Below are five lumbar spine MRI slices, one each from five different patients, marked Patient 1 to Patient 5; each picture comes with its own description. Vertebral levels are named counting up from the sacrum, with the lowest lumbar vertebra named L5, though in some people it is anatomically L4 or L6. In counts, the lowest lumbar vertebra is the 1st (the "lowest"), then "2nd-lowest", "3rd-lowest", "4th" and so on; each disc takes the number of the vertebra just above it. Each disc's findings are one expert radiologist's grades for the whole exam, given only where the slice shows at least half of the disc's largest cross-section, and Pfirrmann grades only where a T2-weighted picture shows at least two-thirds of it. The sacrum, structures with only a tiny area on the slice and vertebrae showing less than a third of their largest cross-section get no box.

Patient 1 of 5:
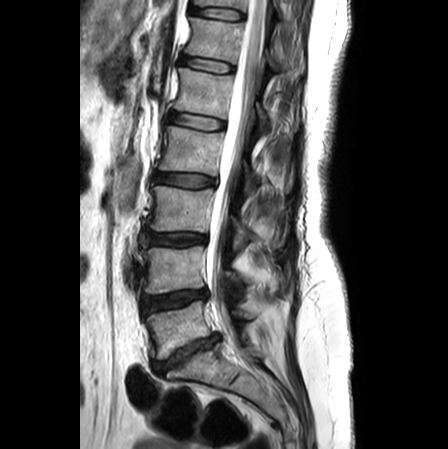 Image 448x449. Sagittal T2-weighted lumbar spine MRI. Slice 11/24. Slice spacing 3.3 mm.
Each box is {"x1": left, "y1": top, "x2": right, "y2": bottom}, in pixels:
6th vertebra at {"x1": 186, "y1": 17, "x2": 303, "y2": 77} | 5th disc at {"x1": 170, "y1": 113, "x2": 224, "y2": 129} | 2nd-lowest disc at {"x1": 144, "y1": 290, "x2": 207, "y2": 313} | 7th vertebra at {"x1": 194, "y1": 0, "x2": 247, "y2": 10} | thecal sac / spinal canal at {"x1": 206, "y1": 0, "x2": 267, "y2": 342} | 7th disc at {"x1": 190, "y1": 7, "x2": 244, "y2": 19} | 6th disc at {"x1": 181, "y1": 55, "x2": 233, "y2": 72} | 3rd-lowest disc at {"x1": 142, "y1": 233, "x2": 205, "y2": 245} | lowest disc at {"x1": 153, "y1": 333, "x2": 219, "y2": 374} | lowest vertebra at {"x1": 146, "y1": 300, "x2": 254, "y2": 359} | 2nd-lowest vertebra at {"x1": 141, "y1": 246, "x2": 281, "y2": 293} | 3rd-lowest vertebra at {"x1": 149, "y1": 186, "x2": 282, "y2": 248} | 4th disc at {"x1": 154, "y1": 173, "x2": 214, "y2": 186} | 4th vertebra at {"x1": 160, "y1": 126, "x2": 256, "y2": 190} | 5th vertebra at {"x1": 175, "y1": 68, "x2": 265, "y2": 126}

Degenerative findings by level:
  7th disc: Pfirrmann grade 1
  6th disc: Pfirrmann grade 1
  4th disc: Pfirrmann grade 2, disc bulging
  5th disc: Pfirrmann grade 1
  lowest disc: Pfirrmann grade 5, disc narrowing, upper-endplate change, lower-endplate change, disc herniation, Modic type II
  2nd-lowest disc: Pfirrmann grade 4, disc bulging, disc narrowing
  3rd-lowest disc: Pfirrmann grade 3, disc bulging

Patient 2 of 5:
Patient sex: M | T2-weighted sagittal MRI of the lumbar spine | Scanner: SIEMENS Avanto_fit (1.5T) | 556x557 px 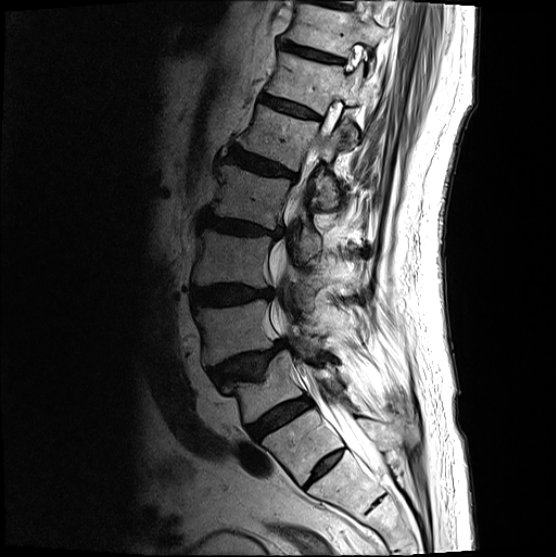
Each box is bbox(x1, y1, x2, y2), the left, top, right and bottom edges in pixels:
L5 (lowest vertebra) at bbox(225, 350, 342, 422).
IVD T12/L1 (6th disc) at bbox(261, 94, 318, 118).
T11 (7th vertebra) at bbox(288, 4, 388, 66).
IVD L4/L5 (2nd-lowest disc) at bbox(211, 339, 288, 385).
L1 (5th vertebra) at bbox(241, 104, 350, 208).
IVD L2/L3 (4th disc) at bbox(200, 213, 283, 238).
IVD L5/S1 (lowest disc) at bbox(247, 396, 312, 439).
L3 (3rd-lowest vertebra) at bbox(192, 229, 321, 307).
IVD L3/L4 (3rd-lowest disc) at bbox(191, 285, 273, 306).
T12 (6th vertebra) at bbox(267, 52, 367, 144).
Thecal sac / spinal canal at bbox(269, 141, 383, 473).
IVD T11/T12 (7th disc) at bbox(281, 41, 343, 62).
L4 (2nd-lowest vertebra) at bbox(195, 299, 321, 365).
IVD L1/L2 (5th disc) at bbox(227, 148, 296, 179).
L2 (4th vertebra) at bbox(211, 164, 321, 261).

Per-level radiological findings:
  L3/L4 (3rd-lowest disc): Pfirrmann grade 4, disc bulging
  T11/T12 (7th disc): Pfirrmann grade 3, lower-endplate change
  T12/L1 (6th disc): Pfirrmann grade 3
  L2/L3 (4th disc): Pfirrmann grade 4, disc bulging, upper-endplate change, disc narrowing, lower-endplate change
  L5/S1 (lowest disc): Pfirrmann grade 4
  L4/L5 (2nd-lowest disc): Pfirrmann grade 4, disc herniation, upper-endplate change, spondylolisthesis
  L1/L2 (5th disc): Pfirrmann grade 4, disc bulging, upper-endplate change, lower-endplate change

Patient 3 of 5:
MRI lumbar spine (T2 SPACE (3D)), sagittal plane. Scanner: SIEMENS Avanto_fit (1.5T). Sagittal slice index 61. Sex F.
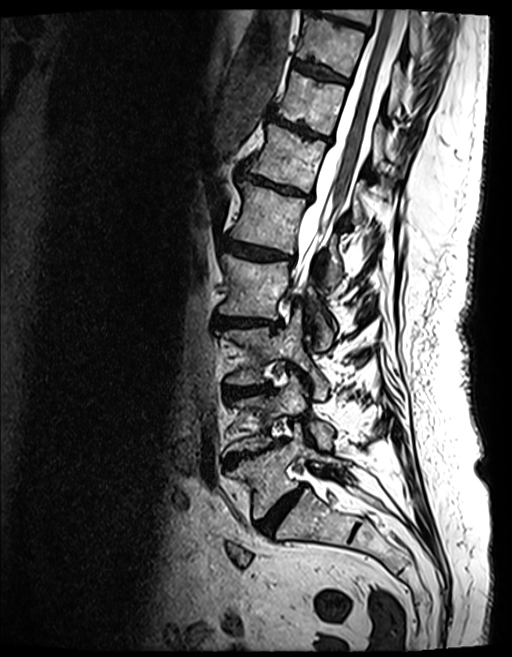

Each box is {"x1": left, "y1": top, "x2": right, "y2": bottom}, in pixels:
{"L5 vertebra": {"x1": 230, "y1": 424, "x2": 346, "y2": 518}, "T9 vertebra": {"x1": 327, "y1": 8, "x2": 431, "y2": 56}, "disc L5/S1": {"x1": 259, "y1": 486, "x2": 304, "y2": 533}, "disc T11/T12": {"x1": 269, "y1": 113, "x2": 331, "y2": 142}, "T12/L1": {"x1": 239, "y1": 167, "x2": 310, "y2": 199}, "L1 vertebra": {"x1": 230, "y1": 181, "x2": 341, "y2": 286}, "L3/L4": {"x1": 225, "y1": 385, "x2": 270, "y2": 394}, "T10/T11": {"x1": 293, "y1": 60, "x2": 347, "y2": 83}, "T9/T10": {"x1": 310, "y1": 2, "x2": 367, "y2": 30}, "L1/L2": {"x1": 225, "y1": 241, "x2": 287, "y2": 259}, "L2 vertebra": {"x1": 220, "y1": 254, "x2": 333, "y2": 349}, "L3 vertebra": {"x1": 222, "y1": 310, "x2": 327, "y2": 398}, "thecal sac / spinal canal": {"x1": 292, "y1": 9, "x2": 405, "y2": 293}, "L4": {"x1": 227, "y1": 375, "x2": 333, "y2": 451}, "T11 vertebra": {"x1": 276, "y1": 72, "x2": 396, "y2": 169}, "disc L4/L5": {"x1": 225, "y1": 440, "x2": 283, "y2": 465}, "T12 vertebra": {"x1": 246, "y1": 125, "x2": 365, "y2": 223}, "T10": {"x1": 297, "y1": 15, "x2": 402, "y2": 110}, "L2/L3": {"x1": 214, "y1": 315, "x2": 280, "y2": 329}}

Expert MSK radiologist gradings (per disc):
• T10/T11: Pfirrmann grade 4, lower-endplate change, upper-endplate change, Modic type II
• T9/T10: Pfirrmann grade 4, Modic type II, lower-endplate change, disc bulging, upper-endplate change
• T12/L1: Pfirrmann grade 4, disc bulging, disc narrowing, Modic type II, upper-endplate change, lower-endplate change
• L1/L2: Pfirrmann grade 4, disc narrowing, lower-endplate change, upper-endplate change, Modic type II, disc bulging
• L2/L3: Pfirrmann grade 4, upper-endplate change, lower-endplate change, disc bulging, Modic type II, disc narrowing
• T11/T12: Pfirrmann grade 5, lower-endplate change, disc narrowing, upper-endplate change, disc bulging, Modic type II
• L5/S1: Pfirrmann grade 4, disc bulging, disc narrowing

Patient 4 of 5:
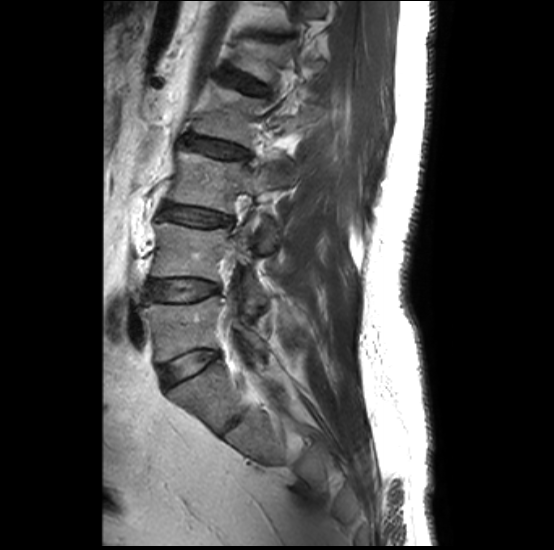 MRI lumbar spine (T2-weighted), sagittal plane
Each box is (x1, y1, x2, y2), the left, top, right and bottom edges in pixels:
L5 vertebra at (146, 293, 266, 361).
L3/L4 at (160, 204, 231, 226).
IVD L4/L5 at (151, 281, 216, 300).
L1/L2 at (220, 70, 265, 94).
L3 at (170, 150, 276, 238).
L4 vertebra at (152, 223, 263, 312).
IVD L5/S1 at (162, 351, 218, 386).
L2 vertebra at (193, 80, 304, 183).
L2/L3 at (178, 135, 249, 158).

Radiological gradings:
  L3/L4: Pfirrmann grade 2, upper-endplate change, Modic type II, lower-endplate change
  L2/L3: Pfirrmann grade 2, Modic type II, upper-endplate change, lower-endplate change
  L5/S1: Pfirrmann grade 1
  L4/L5: Pfirrmann grade 1, Modic type II, upper-endplate change, lower-endplate change

Patient 5 of 5:
Field of view 300x300 mm. T2-weighted sagittal MRI of the lumbar spine. 512x512 px.

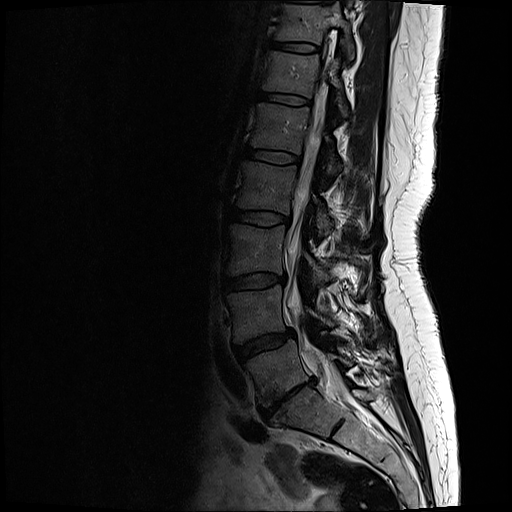
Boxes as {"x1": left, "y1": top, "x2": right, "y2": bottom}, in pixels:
Segmented structures:
* 6th vertebra: {"x1": 267, "y1": 51, "x2": 344, "y2": 113}
* 2nd-lowest disc: {"x1": 233, "y1": 330, "x2": 290, "y2": 358}
* 5th disc: {"x1": 243, "y1": 147, "x2": 300, "y2": 164}
* thecal sac / spinal canal: {"x1": 284, "y1": 118, "x2": 327, "y2": 372}
* 3rd-lowest disc: {"x1": 222, "y1": 274, "x2": 283, "y2": 290}
* 4th vertebra: {"x1": 238, "y1": 162, "x2": 328, "y2": 237}
* 3rd-lowest vertebra: {"x1": 228, "y1": 225, "x2": 325, "y2": 287}
* 4th disc: {"x1": 231, "y1": 207, "x2": 288, "y2": 224}
* 7th vertebra: {"x1": 280, "y1": 6, "x2": 350, "y2": 52}
* 7th disc: {"x1": 271, "y1": 39, "x2": 316, "y2": 50}
* 2nd-lowest vertebra: {"x1": 227, "y1": 284, "x2": 330, "y2": 341}
* lowest disc: {"x1": 260, "y1": 378, "x2": 313, "y2": 417}
* 5th vertebra: {"x1": 253, "y1": 103, "x2": 335, "y2": 175}
* 6th disc: {"x1": 259, "y1": 91, "x2": 308, "y2": 104}
* lowest vertebra: {"x1": 246, "y1": 340, "x2": 347, "y2": 405}

Degenerative findings by level:
- 5th disc: Pfirrmann grade 2
- 4th disc: Pfirrmann grade 2
- lowest disc: Modic type III, disc herniation, disc narrowing, lower-endplate change, disc bulging, upper-endplate change
- 3rd-lowest disc: Pfirrmann grade 2, disc bulging
- 7th disc: Pfirrmann grade 2
- 2nd-lowest disc: Pfirrmann grade 3, disc bulging
- 6th disc: Pfirrmann grade 2